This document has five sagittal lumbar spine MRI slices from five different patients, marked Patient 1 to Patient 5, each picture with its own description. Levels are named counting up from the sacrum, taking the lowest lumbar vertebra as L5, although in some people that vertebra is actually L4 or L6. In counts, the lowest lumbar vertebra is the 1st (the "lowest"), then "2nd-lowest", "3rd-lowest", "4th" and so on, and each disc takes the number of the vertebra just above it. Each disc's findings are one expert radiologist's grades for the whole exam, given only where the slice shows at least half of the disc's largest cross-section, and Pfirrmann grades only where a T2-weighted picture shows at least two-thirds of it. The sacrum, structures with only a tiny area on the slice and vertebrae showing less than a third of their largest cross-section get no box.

Patient 1 of 5:
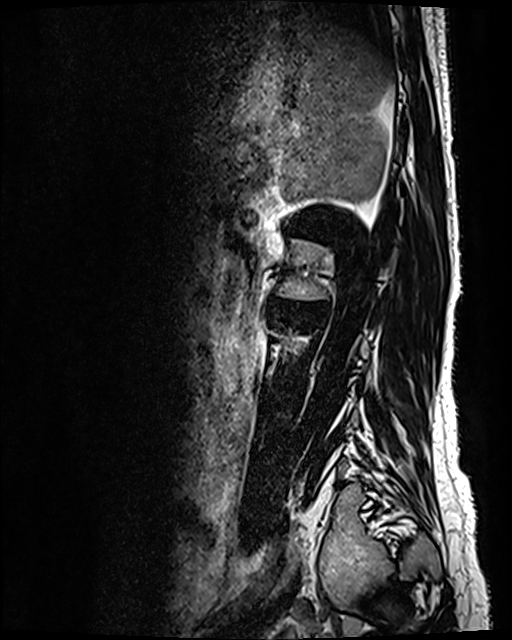 Slice 21/120, Patient sex: F, MRI lumbar spine (T2 SPACE (3D)), sagittal plane
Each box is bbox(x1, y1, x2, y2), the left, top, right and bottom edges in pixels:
disc L1/L2 (5th disc) at bbox(294, 226, 330, 238) | L2/L3 (4th disc) at bbox(274, 300, 308, 311)

Patient 2 of 5:
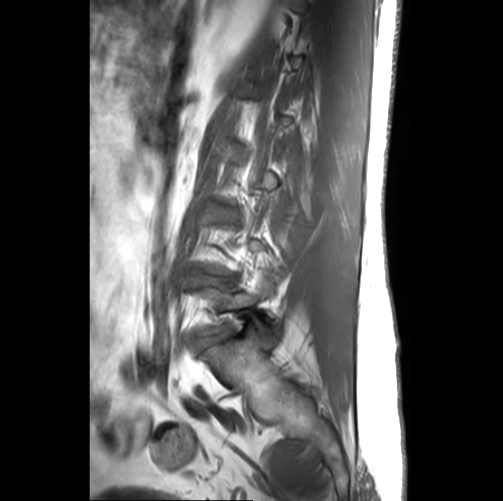
503x501 px | T1-weighted sagittal MRI of the lumbar spine
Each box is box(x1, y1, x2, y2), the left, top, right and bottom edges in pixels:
L5/S1: box(196, 329, 231, 350) | intervertebral disc L4/L5: box(201, 275, 231, 284) | L5 vertebra: box(199, 275, 278, 334)

Patient 3 of 5:
Patient sex: F; T2-weighted sagittal MRI of the lumbar spine

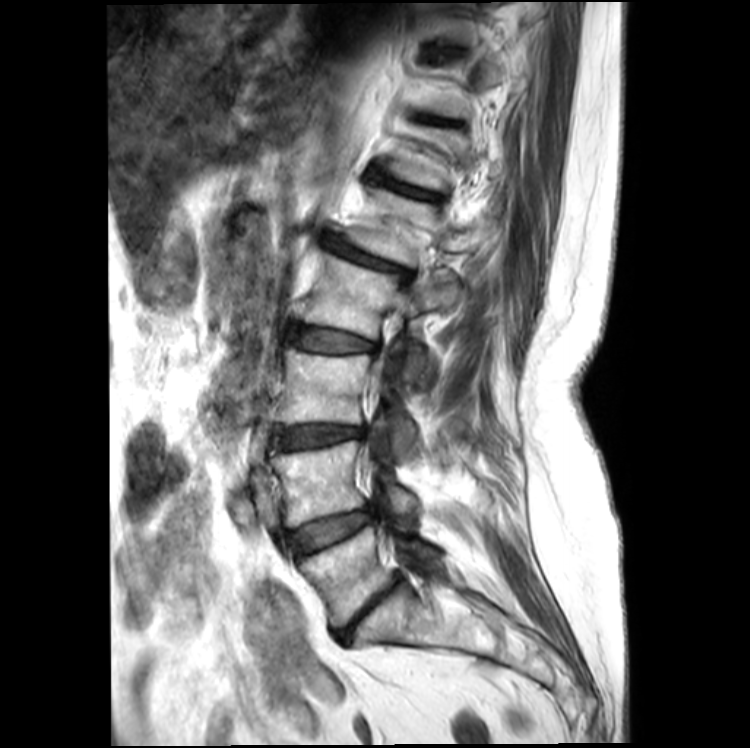
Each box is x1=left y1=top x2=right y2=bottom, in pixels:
L4/L5 at x1=292 y1=508 x2=375 y2=555, L1/L2 at x1=327 y1=239 x2=411 y2=278, L1 vertebra at x1=349 y1=189 x2=477 y2=263, intervertebral disc L2/L3 at x1=288 y1=324 x2=379 y2=352, L2 vertebra at x1=303 y1=253 x2=458 y2=378, L3 at x1=279 y1=348 x2=417 y2=451, L5 at x1=303 y1=526 x2=440 y2=627, intervertebral disc L3/L4 at x1=273 y1=426 x2=364 y2=451, intervertebral disc T12/L1 at x1=379 y1=179 x2=436 y2=199, L4 vertebra at x1=273 y1=440 x2=420 y2=526, L5/S1 at x1=336 y1=579 x2=401 y2=643.

Degenerative findings by level:
- L2/L3: Pfirrmann grade 3, Modic type II, disc bulging
- L4/L5: Pfirrmann grade 3, Modic type II, disc bulging
- L1/L2: Pfirrmann grade 4, disc bulging, Modic type II, disc narrowing, lower-endplate change, upper-endplate change, spondylolisthesis
- L3/L4: Pfirrmann grade 3, disc narrowing, Modic type II, disc bulging
- L5/S1: lower-endplate change, upper-endplate change, disc narrowing, disc bulging

Patient 4 of 5:
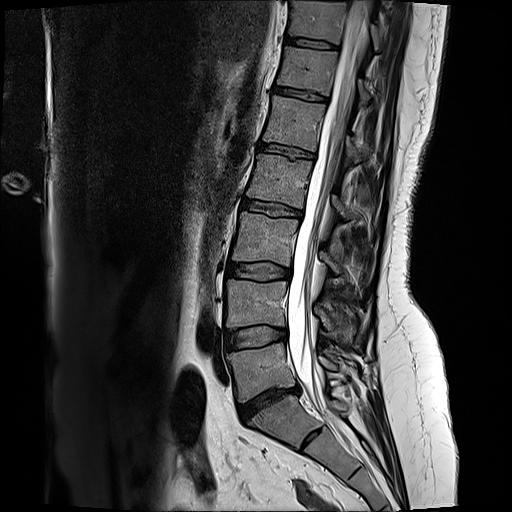
Sagittal T2-weighted lumbar spine MRI, Sex F, Image 512x512

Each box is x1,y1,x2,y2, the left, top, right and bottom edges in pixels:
Structures:
• T12/L1: 274,85,326,103
• T11/T12: 286,38,336,48
• T12: 279,47,369,106
• L1: 264,96,359,163
• L3/L4: 228,263,289,279
• T11: 290,3,379,48
• L4: 226,279,353,339
• L1/L2: 260,143,314,158
• L5: 229,343,334,401
• L4/L5: 224,326,285,350
• L2: 247,154,346,218
• intervertebral disc L2/L3: 242,199,302,217
• intervertebral disc L5/S1: 238,388,297,422
• thecal sac / spinal canal: 288,1,366,407
• L3 vertebra: 233,214,339,274

Degenerative findings by level:
  L2/L3: Pfirrmann grade 4, lower-endplate change, upper-endplate change, disc bulging
  T12/L1: Pfirrmann grade 2, lower-endplate change, upper-endplate change
  L4/L5: Pfirrmann grade 2, disc bulging
  L5/S1: Pfirrmann grade 1, disc narrowing, disc bulging, disc herniation
  L3/L4: Pfirrmann grade 2, disc bulging
  T11/T12: Pfirrmann grade 2
  L1/L2: Pfirrmann grade 2, upper-endplate change, lower-endplate change

Patient 5 of 5:
Lumbar spine MR, T2-weighted, sagittal, Slice spacing 3.3 mm, Slice 21/27, Image 559x556

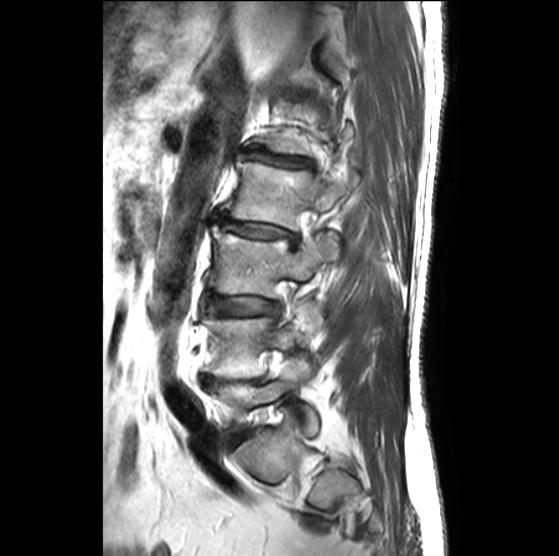

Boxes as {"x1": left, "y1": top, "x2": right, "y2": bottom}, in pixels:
L4: {"x1": 204, "y1": 301, "x2": 321, "y2": 377} | IVD L2/L3: {"x1": 218, "y1": 216, "x2": 297, "y2": 244} | L5 vertebra: {"x1": 208, "y1": 356, "x2": 318, "y2": 436} | L3/L4: {"x1": 209, "y1": 295, "x2": 279, "y2": 315} | IVD L4/L5: {"x1": 203, "y1": 377, "x2": 266, "y2": 383} | L5/S1: {"x1": 231, "y1": 431, "x2": 252, "y2": 444} | L3: {"x1": 210, "y1": 226, "x2": 339, "y2": 297} | L2: {"x1": 230, "y1": 160, "x2": 358, "y2": 231} | IVD L1/L2: {"x1": 242, "y1": 151, "x2": 311, "y2": 168}

Radiological gradings:
  L2/L3: Pfirrmann grade 3, Modic type II, upper-endplate change, lower-endplate change, disc bulging, disc narrowing
  L3/L4: Pfirrmann grade 2, disc bulging
  L1/L2: Pfirrmann grade 3, disc narrowing, upper-endplate change, disc bulging, Modic type III, lower-endplate change
  L4/L5: lower-endplate change, upper-endplate change, Modic type II, disc narrowing